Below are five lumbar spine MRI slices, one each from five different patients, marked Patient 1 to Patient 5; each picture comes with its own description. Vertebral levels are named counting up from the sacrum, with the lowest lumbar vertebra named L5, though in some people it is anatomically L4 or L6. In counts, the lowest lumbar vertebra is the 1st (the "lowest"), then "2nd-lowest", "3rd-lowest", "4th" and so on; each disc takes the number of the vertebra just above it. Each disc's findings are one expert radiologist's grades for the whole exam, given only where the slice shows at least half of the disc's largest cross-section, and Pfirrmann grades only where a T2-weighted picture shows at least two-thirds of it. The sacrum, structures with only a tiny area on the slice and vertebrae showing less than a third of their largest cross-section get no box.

Patient 1 of 5:
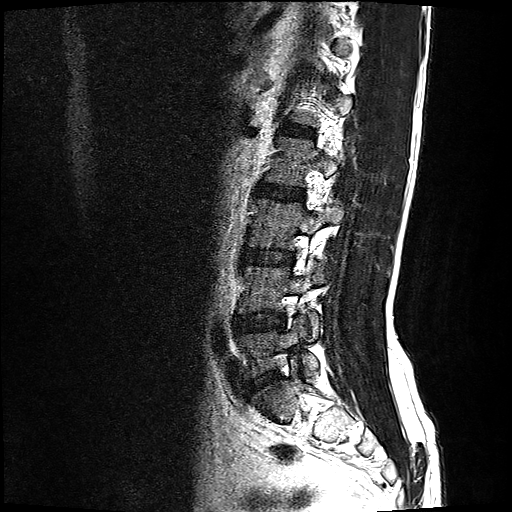

Sagittal T2-weighted lumbar spine MRI

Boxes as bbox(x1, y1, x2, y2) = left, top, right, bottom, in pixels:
Segmented structures:
* L3/L4: bbox(243, 248, 294, 263)
* intervertebral disc L2/L3: bbox(260, 182, 303, 198)
* L5: bbox(238, 312, 319, 377)
* L3 vertebra: bbox(247, 195, 343, 246)
* intervertebral disc L1/L2: bbox(283, 124, 312, 134)
* L2 vertebra: bbox(264, 135, 355, 183)
* L4 vertebra: bbox(238, 258, 325, 337)
* intervertebral disc L4/L5: bbox(234, 309, 285, 330)
* intervertebral disc L5/S1: bbox(243, 369, 280, 392)

Radiological gradings:
• L3/L4: Pfirrmann grade 2, disc bulging
• L4/L5: disc bulging
• L2/L3: no spondylolisthesis, narrowing, bulging, herniation, Modic or endplate change recorded

Patient 2 of 5:
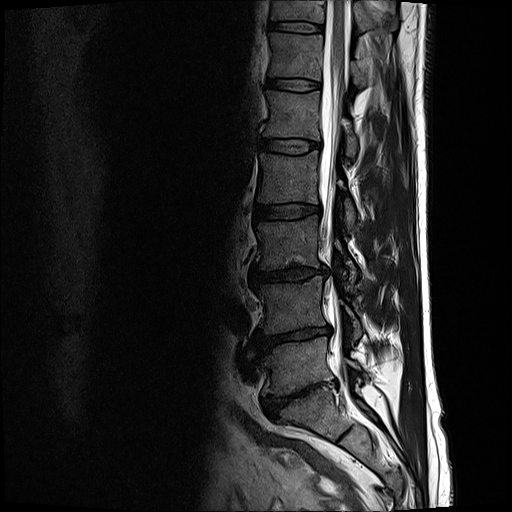
Sagittal T2-weighted lumbar spine MRI | Slice 6 of 17
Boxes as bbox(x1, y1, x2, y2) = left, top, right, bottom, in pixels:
L4 (2nd-lowest vertebra) at bbox(256, 276, 362, 338); L5/S1 (lowest disc) at bbox(262, 385, 317, 418); T12 (6th vertebra) at bbox(270, 32, 366, 87); disc L3/L4 (3rd-lowest disc) at bbox(252, 265, 325, 282); L4/L5 (2nd-lowest disc) at bbox(255, 326, 330, 352); disc T12/L1 (6th disc) at bbox(268, 78, 320, 90); L1 (5th vertebra) at bbox(265, 90, 357, 158); T11/T12 (7th disc) at bbox(268, 21, 324, 33); disc L2/L3 (4th disc) at bbox(254, 204, 320, 220); T11 (7th vertebra) at bbox(271, 0, 398, 32); L5 (lowest vertebra) at bbox(262, 337, 367, 395); thecal sac / spinal canal at bbox(320, 1, 351, 349); L2 (4th vertebra) at bbox(258, 150, 356, 228); L3 (3rd-lowest vertebra) at bbox(257, 215, 356, 282); disc L1/L2 (5th disc) at bbox(260, 138, 320, 154).

Per-level radiological findings:
  L2/L3 (4th disc): Pfirrmann grade 2
  T12/L1 (6th disc): Pfirrmann grade 2
  L5/S1 (lowest disc): lower-endplate change, disc narrowing, disc bulging, spondylolisthesis
  L4/L5 (2nd-lowest disc): Pfirrmann grade 5, lower-endplate change, disc bulging, disc narrowing, Modic type II
  L3/L4 (3rd-lowest disc): Pfirrmann grade 3, disc narrowing, disc bulging
  T11/T12 (7th disc): Pfirrmann grade 2
  L1/L2 (5th disc): Pfirrmann grade 2

Patient 3 of 5:
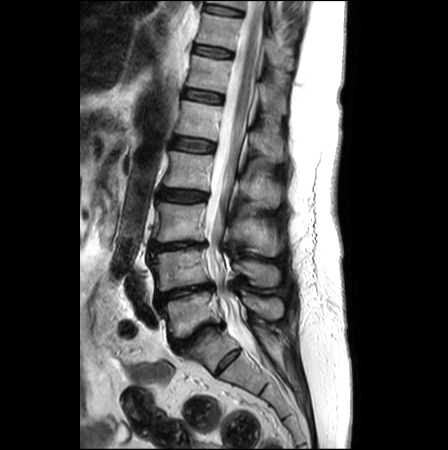

Sagittal T2-weighted lumbar spine MRI

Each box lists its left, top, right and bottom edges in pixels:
spinal canal: left=206, top=1, right=265, bottom=361
7th vertebra: left=197, top=13, right=293, bottom=69
8th disc: left=205, top=4, right=241, bottom=14
7th disc: left=194, top=45, right=231, bottom=57
4th disc: left=160, top=189, right=206, bottom=201
lowest vertebra: left=159, top=292, right=283, bottom=336
2nd-lowest disc: left=155, top=283, right=213, bottom=305
lowest disc: left=172, top=323, right=223, bottom=352
3rd-lowest disc: left=149, top=241, right=207, bottom=250
5th disc: left=173, top=138, right=214, bottom=152
5th vertebra: left=175, top=100, right=285, bottom=162
4th vertebra: left=164, top=151, right=281, bottom=206
6th vertebra: left=186, top=55, right=285, bottom=113
6th disc: left=184, top=90, right=223, bottom=102
2nd-lowest vertebra: left=149, top=248, right=280, bottom=291
3rd-lowest vertebra: left=156, top=202, right=282, bottom=256
8th vertebra: left=208, top=0, right=278, bottom=21

Expert MSK radiologist gradings (per disc):
  6th disc: Pfirrmann grade 2
  5th disc: Pfirrmann grade 2
  8th disc: Pfirrmann grade 1
  3rd-lowest disc: Pfirrmann grade 4, upper-endplate change, disc bulging, disc narrowing, lower-endplate change
  lowest disc: Pfirrmann grade 5, disc narrowing, lower-endplate change, upper-endplate change, disc bulging, Modic type II
  7th disc: Pfirrmann grade 1
  4th disc: Pfirrmann grade 3, disc bulging
  2nd-lowest disc: Pfirrmann grade 5, disc narrowing, disc bulging

Patient 4 of 5:
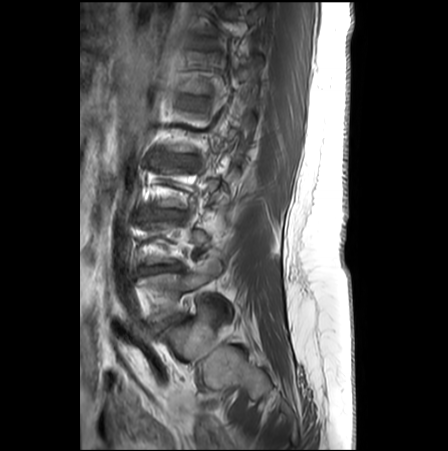 Slice spacing 3.3 mm. Lumbar spine MR, T1-weighted, sagittal. Sagittal slice index 6. Image 448x451.
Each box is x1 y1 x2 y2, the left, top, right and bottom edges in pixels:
L5 at 138 261 221 321, IVD L5/S1 at 153 321 168 330, L4/L5 at 137 263 180 273, IVD L2/L3 at 159 153 194 165, L3/L4 at 155 211 184 218.

Degenerative findings by level:
• L4/L5: disc bulging, disc narrowing, Modic type II, upper-endplate change

Patient 5 of 5:
Patient sex: F | Lumbar spine MR, T2-weighted, sagittal | 652x653 px

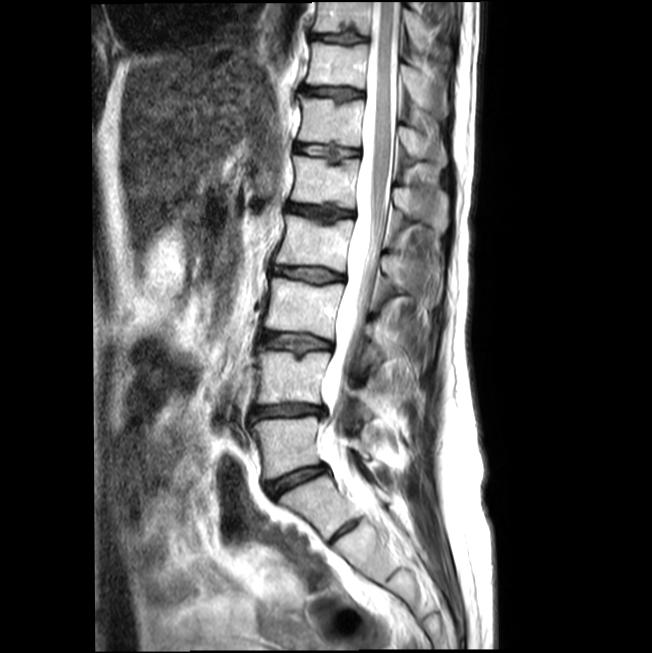 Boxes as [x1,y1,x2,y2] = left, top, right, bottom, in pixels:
Segmented structures:
- thecal sac / spinal canal — [320,2,400,515]
- lowest vertebra — [252,417,369,478]
- 5th disc — [286,203,352,221]
- 4th vertebra — [275,215,438,299]
- 7th disc — [302,88,361,98]
- 8th vertebra — [315,2,428,51]
- 7th vertebra — [306,42,448,115]
- 6th vertebra — [299,95,446,167]
- 8th disc — [312,34,364,42]
- 2nd-lowest disc — [252,406,323,418]
- 3rd-lowest disc — [261,332,330,353]
- 2nd-lowest vertebra — [257,350,373,420]
- 6th disc — [295,143,358,160]
- 4th disc — [273,267,342,282]
- 5th vertebra — [292,156,448,230]
- lowest disc — [266,466,324,496]
- 3rd-lowest vertebra — [265,278,386,362]

Per-level radiological findings:
• 3rd-lowest disc: Pfirrmann grade 2, disc narrowing, lower-endplate change, upper-endplate change
• 7th disc: Pfirrmann grade 3, upper-endplate change, lower-endplate change, disc narrowing
• 8th disc: Pfirrmann grade 3, disc narrowing
• 5th disc: Pfirrmann grade 4, upper-endplate change, disc narrowing, lower-endplate change
• 2nd-lowest disc: Pfirrmann grade 3, disc narrowing, disc herniation
• lowest disc: Pfirrmann grade 2, disc bulging, disc narrowing
• 6th disc: Pfirrmann grade 2, upper-endplate change, disc narrowing, lower-endplate change
• 4th disc: Pfirrmann grade 2, upper-endplate change, lower-endplate change, disc narrowing